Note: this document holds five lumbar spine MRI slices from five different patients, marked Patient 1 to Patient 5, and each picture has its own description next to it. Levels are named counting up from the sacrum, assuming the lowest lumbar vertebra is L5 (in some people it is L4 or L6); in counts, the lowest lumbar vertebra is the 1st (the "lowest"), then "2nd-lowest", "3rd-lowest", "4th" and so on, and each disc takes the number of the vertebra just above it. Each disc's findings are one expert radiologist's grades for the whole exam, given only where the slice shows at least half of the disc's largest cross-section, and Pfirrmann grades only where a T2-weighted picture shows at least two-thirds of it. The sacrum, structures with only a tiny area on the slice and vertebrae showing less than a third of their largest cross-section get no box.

Patient 1 of 5:
Field of view 284x283 mm | T2-weighted sagittal MRI of the lumbar spine | Philips Healthcare Ingenia (3T) | 615x613 px | Patient sex: F 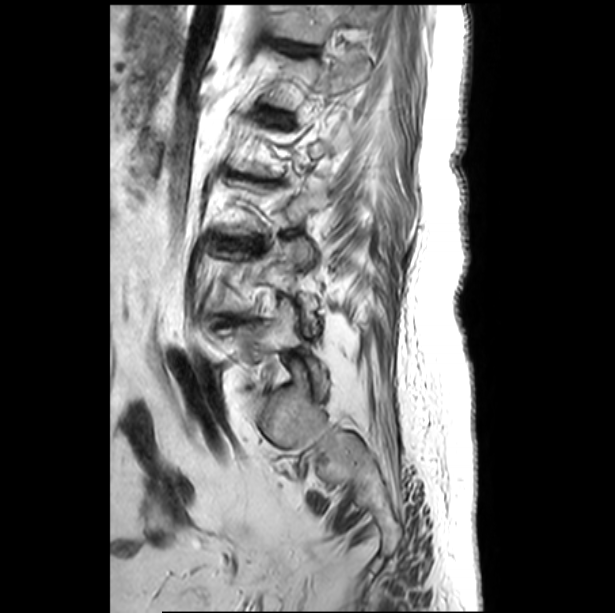
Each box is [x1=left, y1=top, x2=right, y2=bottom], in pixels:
T12 vertebra at [x1=277, y1=5, x2=371, y2=42].
L3/L4 at [x1=220, y1=239, x2=253, y2=245].
L5 vertebra at [x1=218, y1=299, x2=325, y2=403].
Intervertebral disc T12/L1 at [x1=285, y1=45, x2=315, y2=52].

Patient 2 of 5:
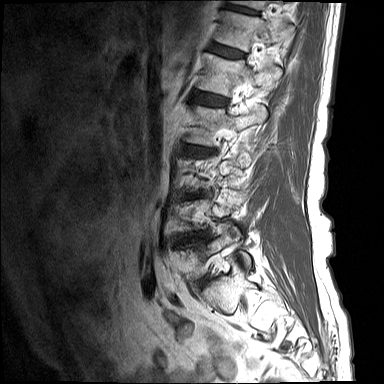 T1-weighted sagittal MRI of the lumbar spine. Slice 2 of 15.
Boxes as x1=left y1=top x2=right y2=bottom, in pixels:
6th disc: x1=209 y1=42 x2=244 y2=59.
5th vertebra: x1=199 y1=53 x2=281 y2=95.
4th vertebra: x1=188 y1=106 x2=266 y2=145.
6th vertebra: x1=216 y1=11 x2=293 y2=51.
Lowest disc: x1=202 y1=276 x2=210 y2=286.
5th disc: x1=195 y1=92 x2=226 y2=106.
7th disc: x1=230 y1=5 x2=255 y2=15.
4th disc: x1=191 y1=146 x2=204 y2=152.

Radiological gradings:
  5th disc, 6th disc: no spondylolisthesis, narrowing, bulging, herniation, Modic or endplate change recorded

Patient 3 of 5:
384x384 px | Slice spacing 4.8 mm | Sagittal slice index 5 | T2-weighted sagittal MRI of the lumbar spine
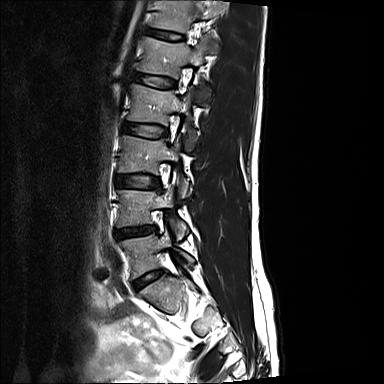
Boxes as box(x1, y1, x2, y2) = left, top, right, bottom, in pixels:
IVD T12/L1 (6th disc): box(147, 28, 183, 40)
T12 (6th vertebra): box(152, 0, 218, 32)
L3 (3rd-lowest vertebra): box(119, 136, 188, 192)
L1 (5th vertebra): box(137, 37, 217, 77)
IVD L3/L4 (3rd-lowest disc): box(115, 175, 158, 187)
L5/S1 (lowest disc): box(134, 270, 162, 289)
L2 (4th vertebra): box(127, 84, 192, 124)
IVD L2/L3 (4th disc): box(122, 122, 166, 137)
L4 (2nd-lowest vertebra): box(117, 186, 188, 239)
L1/L2 (5th disc): box(132, 72, 175, 88)
L5 (lowest vertebra): box(122, 229, 194, 277)
L4/L5 (2nd-lowest disc): box(115, 226, 155, 238)

Per-level radiological findings:
- T12/L1 (6th disc): Pfirrmann grade 2
- L1/L2 (5th disc): Pfirrmann grade 2
- L3/L4 (3rd-lowest disc): Pfirrmann grade 2
- L2/L3 (4th disc): Pfirrmann grade 2
- L4/L5 (2nd-lowest disc): disc narrowing, disc herniation

Patient 4 of 5:
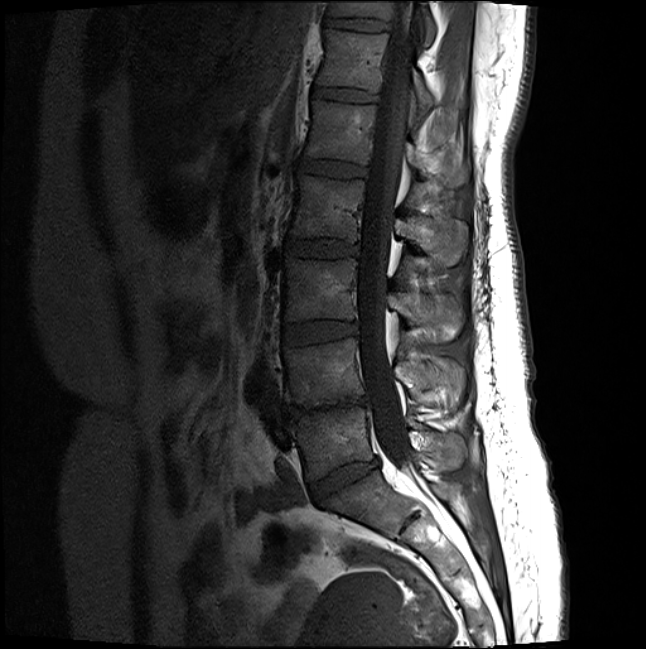 Slice 11 of 20, MRI lumbar spine (T1-weighted), sagittal plane, Slice spacing 3.3 mm
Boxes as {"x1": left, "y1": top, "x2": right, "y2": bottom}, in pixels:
L5/S1 (lowest disc) at {"x1": 310, "y1": 459, "x2": 379, "y2": 503}.
T11/T12 (7th disc) at {"x1": 324, "y1": 17, "x2": 389, "y2": 30}.
Spinal canal at {"x1": 357, "y1": 0, "x2": 413, "y2": 468}.
L3 (3rd-lowest vertebra) at {"x1": 284, "y1": 257, "x2": 461, "y2": 342}.
L4 (2nd-lowest vertebra) at {"x1": 284, "y1": 338, "x2": 464, "y2": 405}.
L1/L2 (5th disc) at {"x1": 296, "y1": 158, "x2": 369, "y2": 175}.
T12/L1 (6th disc) at {"x1": 313, "y1": 87, "x2": 379, "y2": 100}.
L5 (lowest vertebra) at {"x1": 289, "y1": 406, "x2": 464, "y2": 480}.
L2 (4th vertebra) at {"x1": 289, "y1": 175, "x2": 467, "y2": 264}.
T11 (7th vertebra) at {"x1": 329, "y1": 0, "x2": 434, "y2": 44}.
L4/L5 (2nd-lowest disc) at {"x1": 284, "y1": 397, "x2": 369, "y2": 417}.
L2/L3 (4th disc) at {"x1": 285, "y1": 238, "x2": 360, "y2": 257}.
L3/L4 (3rd-lowest disc) at {"x1": 282, "y1": 321, "x2": 357, "y2": 344}.
L1 (5th vertebra) at {"x1": 305, "y1": 100, "x2": 468, "y2": 184}.
T12 (6th vertebra) at {"x1": 317, "y1": 29, "x2": 434, "y2": 117}.

Expert MSK radiologist gradings (per disc):
  L5/S1 (lowest disc): disc narrowing, disc bulging
  L4/L5 (2nd-lowest disc): lower-endplate change, disc bulging, Modic type II, upper-endplate change, disc narrowing
  T11/T12 (7th disc), L3/L4 (3rd-lowest disc), L2/L3 (4th disc), L1/L2 (5th disc), T12/L1 (6th disc): no spondylolisthesis, narrowing, bulging, herniation, Modic or endplate change recorded

Patient 5 of 5:
448x448 px, Sagittal slice index 14, T1-weighted sagittal MRI of the lumbar spine
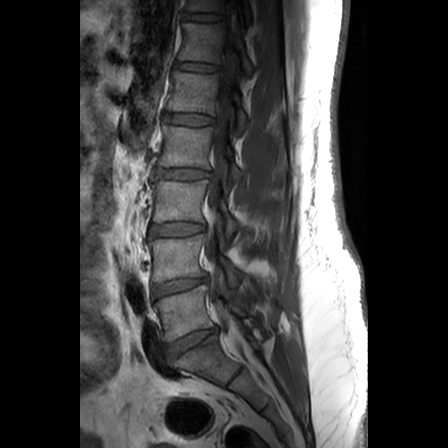

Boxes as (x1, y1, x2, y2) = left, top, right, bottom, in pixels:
L4 vertebra at (149, 234, 241, 286), IVD T11/T12 at (185, 12, 222, 21), IVD L5/S1 at (168, 327, 217, 358), IVD L4/L5 at (152, 278, 205, 297), T12 at (177, 22, 253, 76), L2 at (158, 125, 242, 182), L1/L2 at (164, 113, 213, 125), thecal sac / spinal canal at (204, 29, 234, 332), L1 at (167, 71, 248, 133), IVD T12/L1 at (175, 62, 218, 71), L5 at (154, 285, 247, 340), T11 at (188, 0, 250, 17), IVD L3/L4 at (150, 223, 204, 236), L3 vertebra at (152, 180, 239, 234), L2/L3 at (154, 168, 209, 179).

Per-level radiological findings:
• L5/S1: disc bulging
• L2/L3: disc bulging
• L1/L2, T12/L1, L4/L5, L3/L4, T11/T12: no Modic or endplate change, herniation, narrowing, bulging or spondylolisthesis recorded